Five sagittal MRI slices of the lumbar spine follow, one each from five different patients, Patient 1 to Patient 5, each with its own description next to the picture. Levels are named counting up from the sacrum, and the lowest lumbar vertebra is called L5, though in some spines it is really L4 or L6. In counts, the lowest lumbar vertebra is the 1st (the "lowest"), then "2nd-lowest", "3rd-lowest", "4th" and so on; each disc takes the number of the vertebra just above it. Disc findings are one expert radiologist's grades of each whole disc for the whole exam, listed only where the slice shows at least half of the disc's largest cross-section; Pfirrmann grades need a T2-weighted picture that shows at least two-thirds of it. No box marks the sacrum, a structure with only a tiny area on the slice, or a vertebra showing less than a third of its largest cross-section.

Patient 1 of 5:
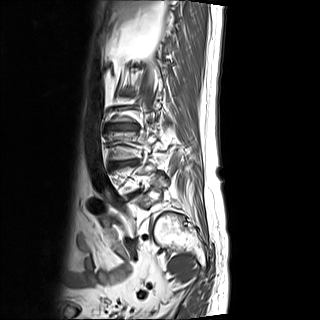

MRI lumbar spine (T1-weighted), sagittal plane. 320x320 px.

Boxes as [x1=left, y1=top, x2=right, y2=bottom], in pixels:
* 4th disc: [x1=107, y1=123, x2=137, y2=130]
* lowest vertebra: [x1=132, y1=175, x2=167, y2=207]

Per-level radiological findings:
  4th disc: disc bulging, Modic type II, upper-endplate change, lower-endplate change, disc narrowing

Patient 2 of 5:
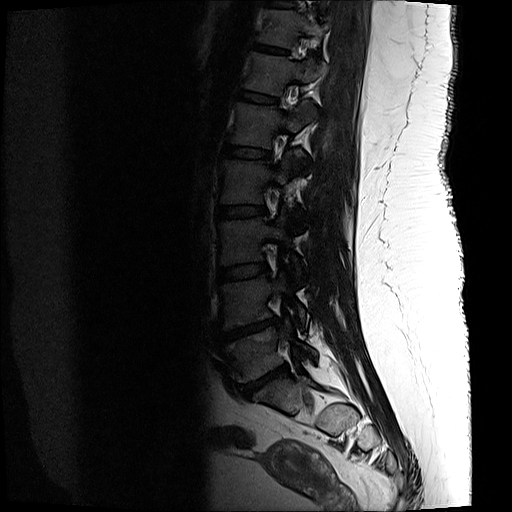

Sex F | Field of view 300x300 mm, slice spacing 3.3 mm | 512x512 px | T2-weighted sagittal MRI of the lumbar spine

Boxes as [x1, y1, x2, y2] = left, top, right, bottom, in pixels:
4th vertebra at [220, 150, 303, 226], 3rd-lowest vertebra at [218, 212, 305, 283], 7th disc at [254, 43, 288, 53], 2nd-lowest disc at [221, 318, 278, 342], lowest disc at [241, 364, 287, 397], 4th disc at [217, 205, 266, 217], lowest vertebra at [222, 318, 318, 382], 7th vertebra at [257, 9, 323, 47], 5th disc at [224, 145, 270, 158], 5th vertebra at [231, 102, 317, 166], 6th disc at [240, 91, 277, 103], 6th vertebra at [244, 52, 323, 95], 2nd-lowest vertebra at [219, 272, 307, 329], 3rd-lowest disc at [218, 263, 268, 281].

Expert MSK radiologist gradings (per disc):
  3rd-lowest disc: Pfirrmann grade 3
  5th disc: Pfirrmann grade 3, lower-endplate change
  2nd-lowest disc: Pfirrmann grade 5, lower-endplate change, disc herniation, Modic type II, disc narrowing, upper-endplate change
  4th disc: Pfirrmann grade 3, upper-endplate change, lower-endplate change
  7th disc: lower-endplate change
  lowest disc: Pfirrmann grade 5, Modic type II, disc narrowing, disc herniation, lower-endplate change, upper-endplate change
  6th disc: Pfirrmann grade 3

Patient 3 of 5:
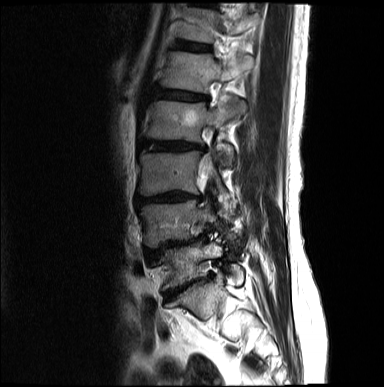

Lumbar spine MR, T2-weighted, sagittal | 384x387 px | Slice 6/17

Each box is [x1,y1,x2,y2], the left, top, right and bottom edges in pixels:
Segmented structures:
* 2nd-lowest vertebra at [137,200,236,247]
* 4th vertebra at [141,96,246,165]
* lowest disc at [164,274,210,301]
* spinal canal at [200,158,212,183]
* 6th vertebra at [180,8,256,42]
* 5th vertebra at [161,52,252,92]
* 6th disc at [175,40,209,50]
* 4th disc at [139,140,203,150]
* 5th disc at [153,88,206,100]
* 3rd-lowest disc at [135,191,200,206]
* lowest vertebra at [154,242,243,290]
* 3rd-lowest vertebra at [137,151,234,213]
* 2nd-lowest disc at [145,238,201,258]

Degenerative findings by level:
• 3rd-lowest disc: Pfirrmann grade 5, disc narrowing, disc bulging, lower-endplate change, upper-endplate change
• 5th disc: Pfirrmann grade 3, disc bulging, upper-endplate change, lower-endplate change
• lowest disc: Pfirrmann grade 5, lower-endplate change, disc narrowing, disc bulging, upper-endplate change
• 4th disc: Pfirrmann grade 4, lower-endplate change, disc narrowing, upper-endplate change, disc bulging
• 6th disc: no spondylolisthesis, narrowing, bulging, herniation, Modic or endplate change recorded

Patient 4 of 5:
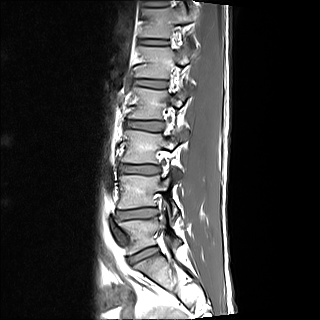 Field of view 280x280 mm | Lumbar spine MR, T1-weighted, sagittal | Image 320x320 | Slice 11 of 15

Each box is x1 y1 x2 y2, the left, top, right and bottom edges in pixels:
Annotations:
• lowest vertebra: 118 215 181 254
• 5th disc: 135 80 167 87
• 3rd-lowest vertebra: 121 128 187 182
• 4th disc: 126 121 163 130
• 6th vertebra: 140 2 198 38
• lowest disc: 129 247 156 263
• 6th disc: 139 40 168 44
• 2nd-lowest disc: 117 208 157 219
• 3rd-lowest disc: 120 165 160 173
• 4th vertebra: 128 84 192 119
• 5th vertebra: 135 42 192 78
• 7th vertebra: 147 0 168 4
• 2nd-lowest vertebra: 118 175 177 215

Per-level radiological findings:
  lowest disc: upper-endplate change
  4th disc: lower-endplate change
  3rd-lowest disc: upper-endplate change, lower-endplate change, disc narrowing
  2nd-lowest disc: upper-endplate change, lower-endplate change, disc bulging
  6th disc: lower-endplate change, upper-endplate change
  5th disc: no Modic or endplate change, herniation, narrowing, bulging or spondylolisthesis recorded

Patient 5 of 5:
Sagittal slice index 17, T2-weighted sagittal MRI of the lumbar spine, Sex F
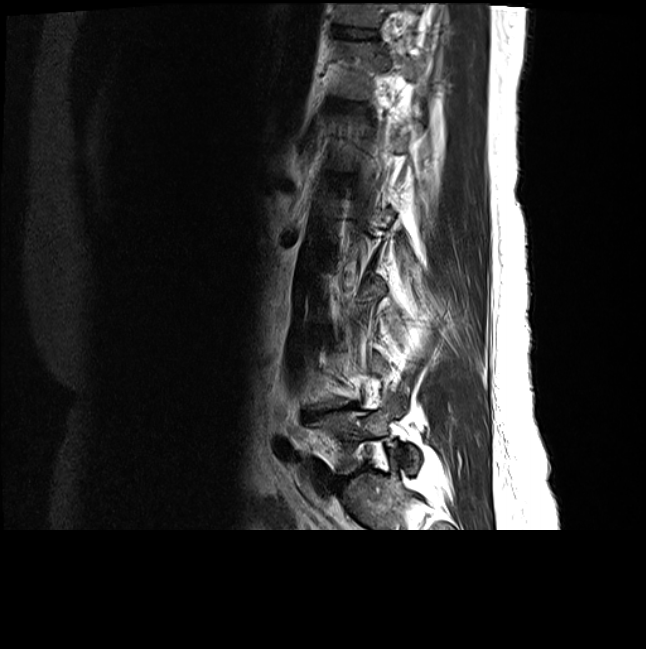 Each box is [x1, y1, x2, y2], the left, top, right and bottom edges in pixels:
Annotations:
• L4/L5 = [305, 402, 358, 416]
• L5/S1 = [334, 477, 348, 485]
• disc T12/L1 = [330, 98, 367, 108]
• T12 = [332, 39, 416, 99]
• T11/T12 = [334, 25, 376, 37]
• L5 = [311, 397, 419, 474]
• T11 vertebra = [337, 1, 419, 25]

Degenerative findings by level:
- T11/T12: no Modic or endplate change, herniation, narrowing, bulging or spondylolisthesis recorded